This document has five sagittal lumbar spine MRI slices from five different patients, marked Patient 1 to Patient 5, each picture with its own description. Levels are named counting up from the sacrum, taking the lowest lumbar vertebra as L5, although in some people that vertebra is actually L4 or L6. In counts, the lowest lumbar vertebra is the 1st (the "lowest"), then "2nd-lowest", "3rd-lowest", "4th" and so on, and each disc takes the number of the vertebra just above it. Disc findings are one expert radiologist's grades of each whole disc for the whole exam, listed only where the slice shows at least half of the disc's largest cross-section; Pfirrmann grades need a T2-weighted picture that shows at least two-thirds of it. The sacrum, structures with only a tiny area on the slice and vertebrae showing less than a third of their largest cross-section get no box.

Patient 1 of 5:
Sex F; 603x610 px; T2-weighted sagittal MRI of the lumbar spine; Field of view 260x263 mm, slice spacing 4.8 mm

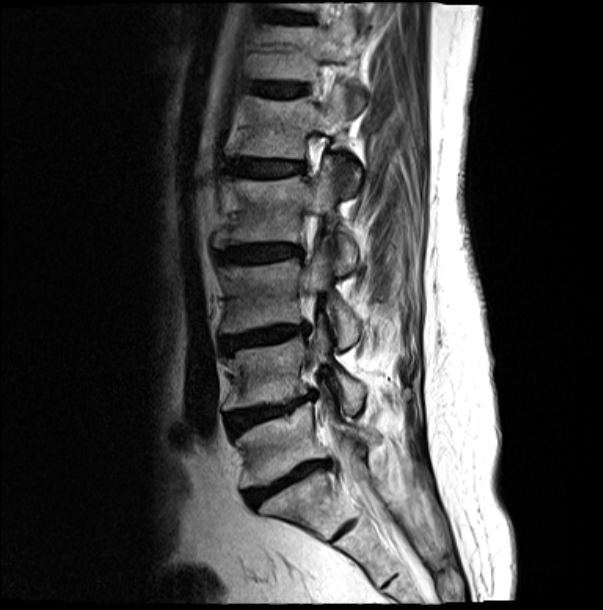 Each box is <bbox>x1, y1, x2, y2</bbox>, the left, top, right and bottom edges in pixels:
3rd-lowest disc — <bbox>223, 325, 305, 352</bbox>.
4th vertebra — <bbox>215, 157, 357, 274</bbox>.
7th disc — <bbox>281, 14, 307, 21</bbox>.
4th disc — <bbox>218, 244, 299, 262</bbox>.
3rd-lowest vertebra — <bbox>220, 249, 360, 346</bbox>.
6th disc — <bbox>253, 83, 305, 96</bbox>.
Lowest disc — <bbox>246, 461, 325, 505</bbox>.
5th vertebra — <bbox>239, 85, 360, 193</bbox>.
6th vertebra — <bbox>257, 21, 365, 111</bbox>.
2nd-lowest disc — <bbox>228, 395, 311, 434</bbox>.
2nd-lowest vertebra — <bbox>224, 327, 365, 415</bbox>.
Lowest vertebra — <bbox>235, 402, 376, 485</bbox>.
5th disc — <bbox>231, 160, 300, 175</bbox>.

Per-level radiological findings:
- 5th disc: Pfirrmann grade 4, Modic type II, upper-endplate change, lower-endplate change, disc bulging
- 6th disc: upper-endplate change, lower-endplate change, Modic type II
- 3rd-lowest disc: Pfirrmann grade 4, Modic type II, disc narrowing, lower-endplate change, disc bulging, upper-endplate change
- 4th disc: Pfirrmann grade 4, disc bulging, lower-endplate change, Modic type II, upper-endplate change
- 2nd-lowest disc: Pfirrmann grade 4, lower-endplate change, disc narrowing, Modic type II, upper-endplate change, disc bulging
- lowest disc: Pfirrmann grade 5, Modic type II, disc narrowing, disc bulging, lower-endplate change, upper-endplate change

Patient 2 of 5:
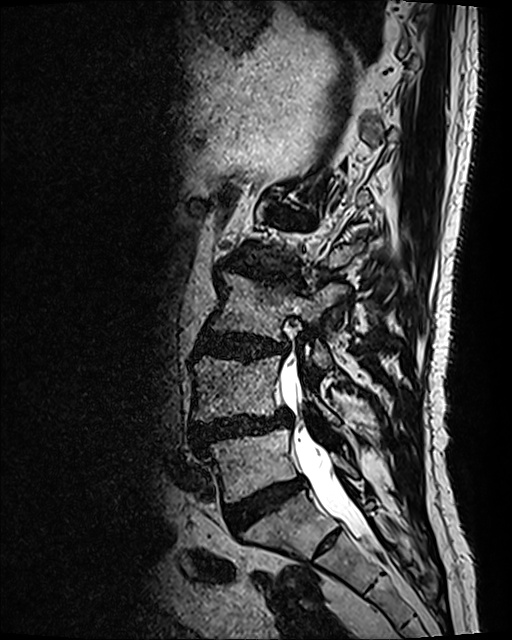 Lumbar spine MR, T2 SPACE (3D), sagittal | Slice 53 of 120
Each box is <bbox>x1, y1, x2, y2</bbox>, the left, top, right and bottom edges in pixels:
Annotations:
• 5th disc: <bbox>273, 206, 304, 224</bbox>
• 2nd-lowest vertebra: <bbox>193, 354, 338, 423</bbox>
• 2nd-lowest disc: <bbox>192, 412, 289, 449</bbox>
• lowest vertebra: <bbox>203, 428, 357, 501</bbox>
• 3rd-lowest vertebra: <bbox>213, 272, 347, 369</bbox>
• thecal sac / spinal canal: <bbox>280, 364, 369, 538</bbox>
• 3rd-lowest disc: <bbox>197, 332, 286, 359</bbox>
• lowest disc: <bbox>225, 477, 306, 525</bbox>
• 4th disc: <bbox>229, 261, 301, 286</bbox>

Radiological gradings:
  3rd-lowest disc: Pfirrmann grade 4, lower-endplate change, disc bulging, upper-endplate change
  lowest disc: Pfirrmann grade 4
  2nd-lowest disc: Pfirrmann grade 4, disc herniation, disc narrowing, Modic type II, upper-endplate change, spondylolisthesis, lower-endplate change, disc bulging

Patient 3 of 5:
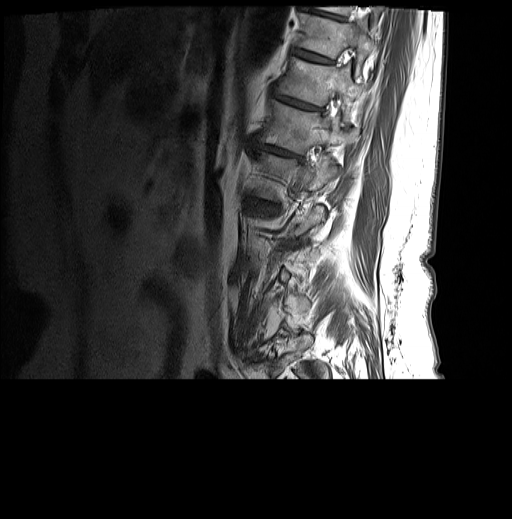
Slice 6/27; T1-weighted sagittal MRI of the lumbar spine
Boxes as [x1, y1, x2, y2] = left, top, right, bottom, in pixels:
T10 vertebra: [299, 13, 376, 72].
L1: [255, 152, 341, 199].
T12 vertebra: [259, 99, 346, 154].
T11/T12: [274, 95, 320, 110].
Intervertebral disc T10/T11: [295, 50, 331, 63].
Intervertebral disc T12/L1: [255, 141, 300, 158].
Intervertebral disc T9/T10: [301, 1, 343, 19].
T11 vertebra: [275, 57, 366, 121].

Degenerative findings by level:
- T11/T12: disc narrowing, Modic type II, disc bulging, upper-endplate change, lower-endplate change
- T10/T11: lower-endplate change, upper-endplate change, Modic type II
- T12/L1: disc bulging, disc narrowing, upper-endplate change, Modic type II, lower-endplate change
- T9/T10: disc bulging, Modic type II, upper-endplate change, lower-endplate change

Patient 4 of 5:
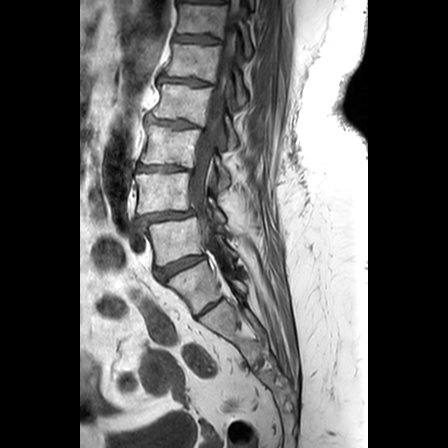 Lumbar spine MR, T1-weighted, sagittal; 448x448 px; Sex F; Sagittal slice index 10

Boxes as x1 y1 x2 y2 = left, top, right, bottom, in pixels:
L2/L3 (4th disc) at 147 113 203 127, T12 (6th vertebra) at 177 2 252 54, L1 (5th vertebra) at 166 41 246 101, L2 (4th vertebra) at 153 81 237 145, T12/L1 (6th disc) at 174 32 221 43, L1/L2 (5th disc) at 159 72 214 86, L3 (3rd-lowest vertebra) at 142 123 230 188, L4/L5 (2nd-lowest disc) at 137 208 193 223, L4 (2nd-lowest vertebra) at 135 170 224 219, disc L3/L4 (3rd-lowest disc) at 138 162 192 171, disc L5/S1 (lowest disc) at 154 253 204 277, spinal canal at 191 0 238 240, L5 (lowest vertebra) at 147 214 236 264.

Degenerative findings by level:
- L1/L2 (5th disc): upper-endplate change, disc bulging, lower-endplate change, Modic type II, disc narrowing
- L5/S1 (lowest disc): disc bulging
- T12/L1 (6th disc): lower-endplate change, upper-endplate change, Modic type II
- L2/L3 (4th disc): disc narrowing, Modic type II, disc bulging, upper-endplate change, lower-endplate change
- L3/L4 (3rd-lowest disc): disc bulging, Modic type II, disc narrowing, lower-endplate change, upper-endplate change
- L4/L5 (2nd-lowest disc): disc narrowing, spondylolisthesis, disc bulging

Patient 5 of 5:
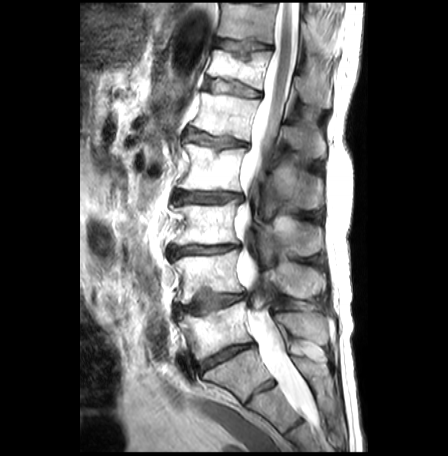 Patient sex: M. Field of view 280x285 mm. Sagittal T2-weighted lumbar spine MRI. Slice 18 of 30.
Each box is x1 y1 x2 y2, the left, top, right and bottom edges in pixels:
7th disc at 214 39 271 60, 5th vertebra at 193 91 325 157, 6th vertebra at 208 49 330 107, 4th disc at 173 191 241 203, lowest vertebra at 180 301 327 360, 6th disc at 205 79 260 96, 2nd-lowest vertebra at 173 251 324 304, lowest disc at 198 343 253 372, spinal canal at 236 3 311 413, 5th disc at 189 131 248 147, 3rd-lowest disc at 169 244 238 258, 2nd-lowest disc at 175 290 247 314, 3rd-lowest vertebra at 172 199 322 263, 4th vertebra at 178 143 322 217, 7th vertebra at 217 3 319 51.

Expert MSK radiologist gradings (per disc):
• 2nd-lowest disc: Pfirrmann grade 2, Modic type II, upper-endplate change, lower-endplate change, disc bulging
• 4th disc: Modic type II, lower-endplate change, upper-endplate change, disc bulging, disc narrowing
• 7th disc: Pfirrmann grade 1, lower-endplate change, upper-endplate change, Modic type II
• 3rd-lowest disc: disc bulging, Modic type II, upper-endplate change, lower-endplate change, disc narrowing
• 5th disc: Pfirrmann grade 3, lower-endplate change, upper-endplate change, Modic type II, disc bulging
• lowest disc: Pfirrmann grade 5, disc narrowing, disc bulging, Modic type II
• 6th disc: Pfirrmann grade 3, upper-endplate change, Modic type II, lower-endplate change, disc bulging